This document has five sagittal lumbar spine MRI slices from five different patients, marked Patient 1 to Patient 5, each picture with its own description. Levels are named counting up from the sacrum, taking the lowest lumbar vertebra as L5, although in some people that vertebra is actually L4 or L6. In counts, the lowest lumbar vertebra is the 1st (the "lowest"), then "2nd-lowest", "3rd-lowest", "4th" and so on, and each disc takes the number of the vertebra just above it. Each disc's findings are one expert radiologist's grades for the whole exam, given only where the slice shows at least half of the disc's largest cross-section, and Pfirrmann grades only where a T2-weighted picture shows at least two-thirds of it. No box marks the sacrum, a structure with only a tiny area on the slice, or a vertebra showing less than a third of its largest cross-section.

Patient 1 of 5:
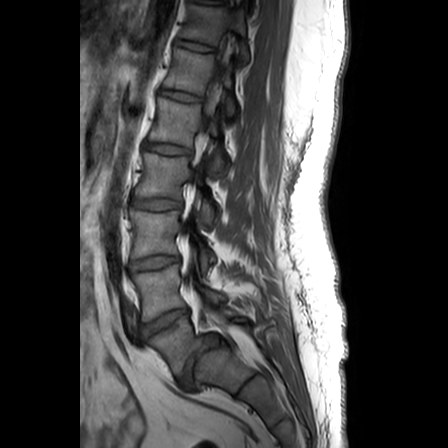

Sex F | MRI lumbar spine (T1-weighted), sagittal plane | Image 448x448

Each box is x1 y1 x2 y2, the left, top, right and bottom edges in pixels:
L5/S1 — 179 334 220 385 | T12 vertebra — 164 48 236 115 | L2 vertebra — 136 152 215 225 | L1 vertebra — 149 98 227 171 | L4 vertebra — 133 265 226 321 | L3 vertebra — 132 211 216 269 | intervertebral disc L4/L5 — 144 308 189 336 | spinal canal — 204 72 221 134 | intervertebral disc L1/L2 — 146 143 191 154 | intervertebral disc T11/T12 — 177 40 213 51 | T12/L1 — 161 90 201 101 | L5 vertebra — 150 311 249 377 | intervertebral disc L2/L3 — 132 199 181 210 | T11 vertebra — 180 5 249 62 | intervertebral disc L3/L4 — 131 256 179 271

Per-level radiological findings:
  L5/S1: disc narrowing, lower-endplate change, spondylolisthesis, disc bulging
  L4/L5: disc bulging
  T11/T12, T12/L1, L3/L4, L2/L3, L1/L2: no herniation, bulging, narrowing, spondylolisthesis, endplate or Modic change recorded

Patient 2 of 5:
Sagittal slice index 8; MRI lumbar spine (T2-weighted), sagittal plane

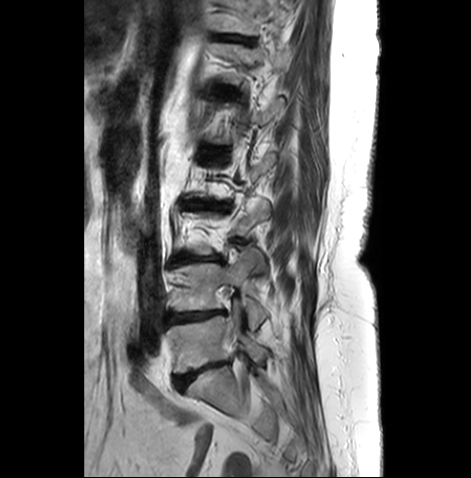
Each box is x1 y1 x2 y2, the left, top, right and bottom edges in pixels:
Annotations:
• T11 vertebra: 218 0 287 34
• intervertebral disc L4/L5: 167 310 221 322
• L2/L3: 189 201 223 209
• L3/L4: 178 255 218 261
• intervertebral disc T11/T12: 220 35 251 42
• L5 vertebra: 167 307 266 373
• L5/S1: 175 361 227 390
• L4 vertebra: 171 246 265 329

Per-level radiological findings:
• T11/T12: upper-endplate change, lower-endplate change, disc bulging
• L5/S1: Pfirrmann grade 4, Modic type II, disc bulging, disc narrowing
• L4/L5: Pfirrmann grade 4, disc narrowing, lower-endplate change, Modic type II, upper-endplate change, disc bulging

Patient 3 of 5:
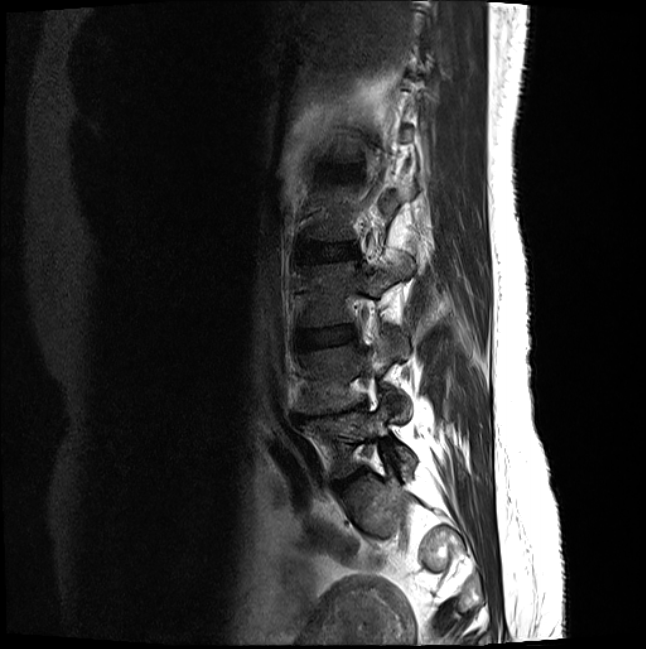
Image 646x649, Field of view 300x302 mm, slice spacing 3.3 mm, Slice 5 of 20, Lumbar spine MR, T2-weighted, sagittal

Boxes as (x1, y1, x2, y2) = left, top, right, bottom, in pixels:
• L5/S1: (337, 468, 365, 485)
• disc L3/L4: (300, 326, 353, 347)
• L4: (299, 330, 409, 418)
• L5 vertebra: (301, 395, 415, 476)
• L2/L3: (300, 242, 357, 259)
• L4/L5: (295, 402, 366, 421)
• L1/L2: (319, 165, 346, 178)
• L3 vertebra: (303, 260, 414, 325)

Degenerative findings by level:
• L2/L3: Pfirrmann grade 2
• L3/L4: no herniation, bulging, narrowing, spondylolisthesis, endplate or Modic change recorded

Patient 4 of 5:
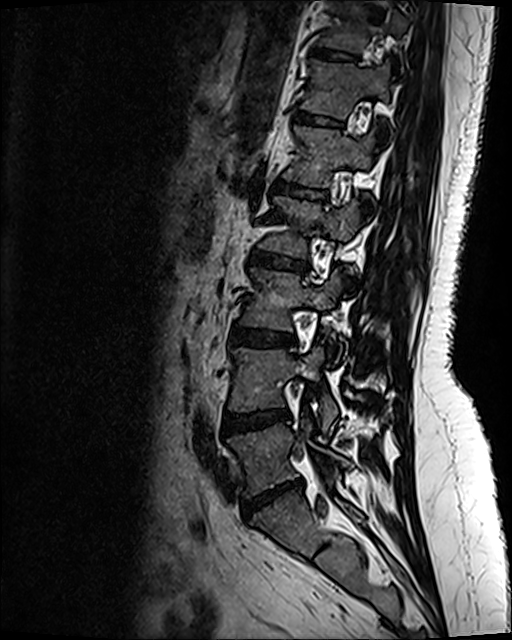 Field of view 240x300 mm, slice spacing 0.9 mm. Sagittal T2 SPACE (3D) lumbar spine MRI. Slice 44 of 120.
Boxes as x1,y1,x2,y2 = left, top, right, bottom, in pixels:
Intervertebral disc L5/S1 (lowest disc) at 243,482,301,517.
L5 (lowest vertebra) at 228,426,352,497.
L2 (4th vertebra) at 258,197,360,257.
T11/T12 (7th disc) at 313,50,357,65.
L2/L3 (4th disc) at 250,253,308,271.
L1 (5th vertebra) at 283,126,374,187.
Intervertebral disc L4/L5 (2nd-lowest disc) at 223,411,289,433.
L4 (2nd-lowest vertebra) at 229,348,337,430.
Intervertebral disc T12/L1 (6th disc) at 295,114,343,128.
Intervertebral disc L1/L2 (5th disc) at 274,181,325,198.
L3/L4 (3rd-lowest disc) at 230,330,295,347.
T11 (7th vertebra) at 321,2,406,62.
L3 (3rd-lowest vertebra) at 240,269,344,361.
T12 (6th vertebra) at 300,61,390,118.

Radiological gradings:
• T12/L1 (6th disc): upper-endplate change, lower-endplate change
• L2/L3 (4th disc): Pfirrmann grade 4, disc bulging, lower-endplate change, upper-endplate change
• L4/L5 (2nd-lowest disc): disc bulging
• T11/T12 (7th disc): Pfirrmann grade 2
• L3/L4 (3rd-lowest disc): Pfirrmann grade 2, disc bulging
• L5/S1 (lowest disc): disc bulging, disc herniation, disc narrowing
• L1/L2 (5th disc): lower-endplate change, upper-endplate change

Patient 5 of 5:
Field of view 240x300 mm. Slice 58/120. MRI lumbar spine (T2 SPACE (3D)), sagittal plane.

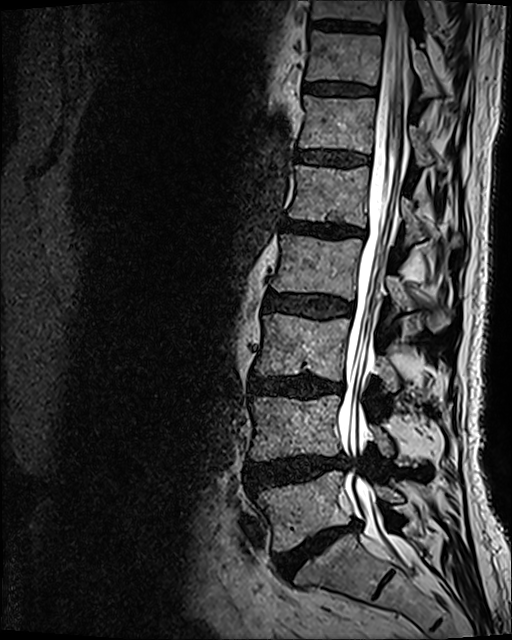
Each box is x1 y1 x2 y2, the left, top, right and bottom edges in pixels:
Spinal canal: 337 1 408 542.
L2 vertebra: 271 233 450 330.
T10 vertebra: 312 0 435 29.
IVD L4/L5: 246 454 347 490.
L5 vertebra: 255 471 402 551.
T11 vertebra: 306 31 465 98.
L3: 256 313 398 393.
T12: 300 95 431 167.
IVD T10/T11: 310 19 382 33.
L5/S1: 274 522 357 577.
IVD L1/L2: 282 219 365 237.
T11/T12: 305 84 374 94.
IVD L2/L3: 263 291 353 320.
IVD T12/L1: 297 151 369 166.
L4: 251 395 392 461.
L3/L4: 251 375 344 398.
L1: 288 164 459 247.

Degenerative findings by level:
• T11/T12: Pfirrmann grade 3
• L1/L2: Pfirrmann grade 4, upper-endplate change, disc narrowing, Modic type II, lower-endplate change, disc bulging
• L4/L5: Pfirrmann grade 4, disc herniation, disc bulging
• L2/L3: Pfirrmann grade 3, disc bulging
• L5/S1: Pfirrmann grade 5, disc bulging, Modic type II, disc narrowing, lower-endplate change
• L3/L4: Pfirrmann grade 4, disc bulging, lower-endplate change, disc narrowing, Modic type II
• T12/L1: Pfirrmann grade 3